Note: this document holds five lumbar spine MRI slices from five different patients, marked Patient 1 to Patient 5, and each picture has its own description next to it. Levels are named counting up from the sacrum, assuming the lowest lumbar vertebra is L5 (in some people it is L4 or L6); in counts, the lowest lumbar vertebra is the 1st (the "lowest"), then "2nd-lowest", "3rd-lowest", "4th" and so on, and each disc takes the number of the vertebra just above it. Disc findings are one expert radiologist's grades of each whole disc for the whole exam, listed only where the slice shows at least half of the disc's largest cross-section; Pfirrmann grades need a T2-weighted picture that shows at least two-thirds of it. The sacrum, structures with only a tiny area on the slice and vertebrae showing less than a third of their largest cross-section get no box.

Patient 1 of 5:
Slice 99 of 139; Field of view 240x307 mm; Image 595x761; Sagittal T2 SPACE (3D) lumbar spine MRI
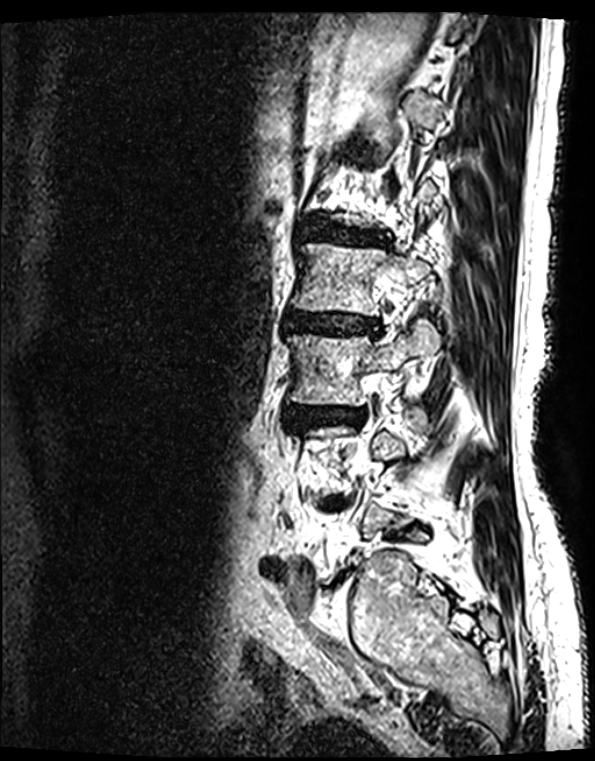
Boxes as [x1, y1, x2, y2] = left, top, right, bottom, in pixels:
L1/L2: [302, 229, 378, 244] | intervertebral disc L2/L3: [285, 315, 378, 335] | L3 vertebra: [286, 316, 440, 406] | intervertebral disc L3/L4: [287, 407, 363, 431] | L2: [291, 243, 435, 315]

Degenerative findings by level:
- L2/L3: Pfirrmann grade 4, upper-endplate change, disc bulging, disc narrowing, Modic type II, lower-endplate change
- L3/L4: Pfirrmann grade 4, disc narrowing, disc bulging, lower-endplate change, Modic type II, upper-endplate change
- L1/L2: lower-endplate change, disc bulging, disc narrowing, Modic type II, upper-endplate change

Patient 2 of 5:
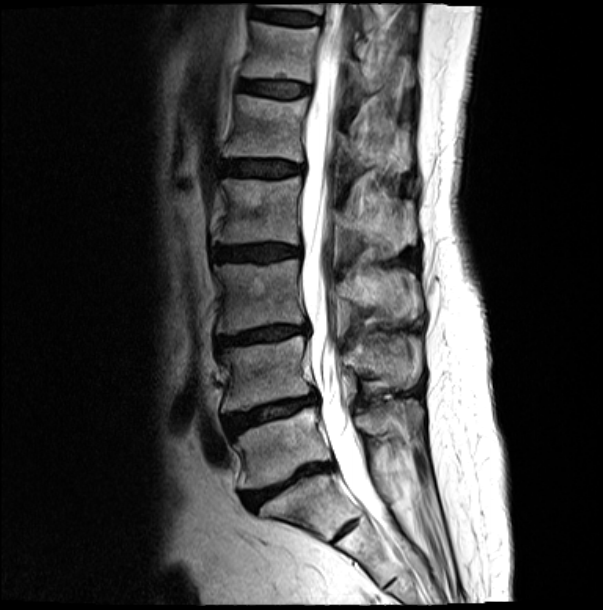
Sagittal T2-weighted lumbar spine MRI, Sagittal slice index 8, Field of view 260x263 mm
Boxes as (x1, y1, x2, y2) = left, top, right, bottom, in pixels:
Annotations:
* T11/T12: (253, 10, 318, 24)
* L3/L4: (217, 325, 307, 348)
* T11 vertebra: (259, 3, 379, 31)
* L1/L2: (223, 161, 300, 177)
* T12 vertebra: (242, 21, 377, 96)
* L5: (234, 399, 423, 488)
* L4/L5: (226, 394, 316, 435)
* thecal sac / spinal canal: (300, 4, 382, 518)
* L4 vertebra: (221, 336, 421, 410)
* IVD L5/S1: (243, 463, 333, 508)
* T12/L1: (240, 80, 308, 98)
* L2: (213, 176, 415, 257)
* L1 vertebra: (224, 94, 410, 171)
* L2/L3: (212, 244, 300, 260)
* L3: (215, 260, 421, 333)

Degenerative findings by level:
  T11/T12: Pfirrmann grade 3, Modic type II
  L5/S1: Pfirrmann grade 5, lower-endplate change, Modic type II, upper-endplate change, disc narrowing, disc bulging
  L2/L3: Pfirrmann grade 4, upper-endplate change, lower-endplate change, disc bulging, Modic type II
  L1/L2: Pfirrmann grade 4, disc bulging, lower-endplate change, Modic type II, upper-endplate change
  L4/L5: Pfirrmann grade 4, Modic type II, disc bulging, upper-endplate change, lower-endplate change, disc narrowing
  T12/L1: Pfirrmann grade 3, lower-endplate change, upper-endplate change, Modic type II
  L3/L4: Pfirrmann grade 4, lower-endplate change, upper-endplate change, Modic type II, disc narrowing, disc bulging

Patient 3 of 5:
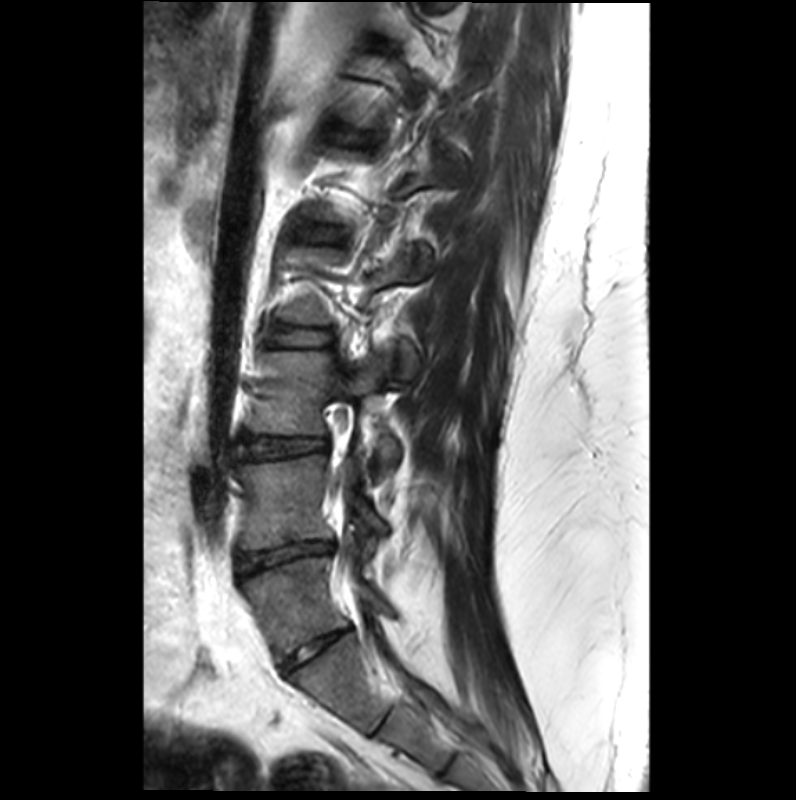 MRI lumbar spine (T2-weighted), sagittal plane, 796x800 px
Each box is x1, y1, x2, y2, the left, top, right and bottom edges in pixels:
{"L2/L3": "271, 328, 331, 344", "L5 vertebra": "244, 556, 396, 663", "L3": "249, 350, 400, 479", "L3/L4": "244, 438, 324, 457", "disc L1/L2": "302, 224, 338, 239", "L4": "238, 453, 386, 548", "disc L4/L5": "238, 542, 331, 574", "disc L5/S1": "280, 625, 355, 675"}

Per-level radiological findings:
• L4/L5: Pfirrmann grade 3, Modic type III, disc herniation, lower-endplate change, spondylolisthesis, disc narrowing, upper-endplate change
• L5/S1: Pfirrmann grade 3, disc narrowing
• L3/L4: no Modic or endplate change, herniation, narrowing, bulging or spondylolisthesis recorded

Patient 4 of 5:
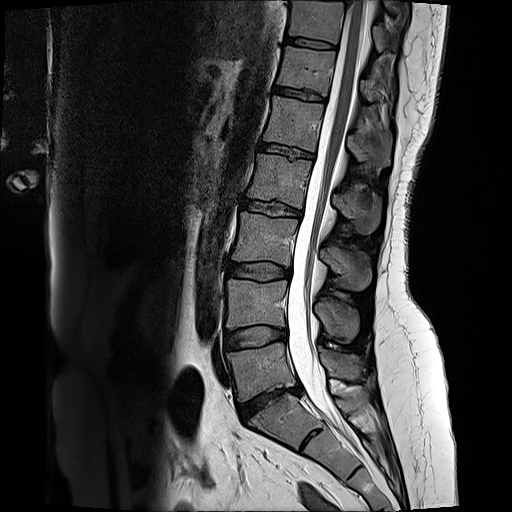
Image 512x512; Sagittal slice index 8; Sagittal T2-weighted lumbar spine MRI
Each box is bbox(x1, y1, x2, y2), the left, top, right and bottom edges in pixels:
3rd-lowest disc at bbox(228, 262, 290, 279); 3rd-lowest vertebra at bbox(233, 213, 371, 290); 6th vertebra at bbox(279, 47, 376, 100); thecal sac / spinal canal at bbox(286, 1, 366, 438); lowest vertebra at bbox(228, 343, 359, 400); 2nd-lowest disc at bbox(224, 327, 285, 350); 5th disc at bbox(260, 143, 313, 158); 6th disc at bbox(275, 86, 325, 103); 4th disc at bbox(242, 199, 301, 216); 5th vertebra at bbox(265, 96, 392, 166); 7th vertebra at bbox(291, 2, 395, 50); lowest disc at bbox(238, 388, 300, 422); 7th disc at bbox(286, 38, 334, 48); 2nd-lowest vertebra at bbox(226, 280, 358, 342); 4th vertebra at bbox(246, 155, 380, 232).

Per-level radiological findings:
  2nd-lowest disc: Pfirrmann grade 2, disc bulging
  4th disc: Pfirrmann grade 4, disc bulging, upper-endplate change, lower-endplate change
  7th disc: Pfirrmann grade 2
  6th disc: Pfirrmann grade 2, lower-endplate change, upper-endplate change
  3rd-lowest disc: Pfirrmann grade 2, disc bulging
  lowest disc: Pfirrmann grade 1, disc narrowing, disc bulging, disc herniation
  5th disc: Pfirrmann grade 2, upper-endplate change, lower-endplate change

Patient 5 of 5:
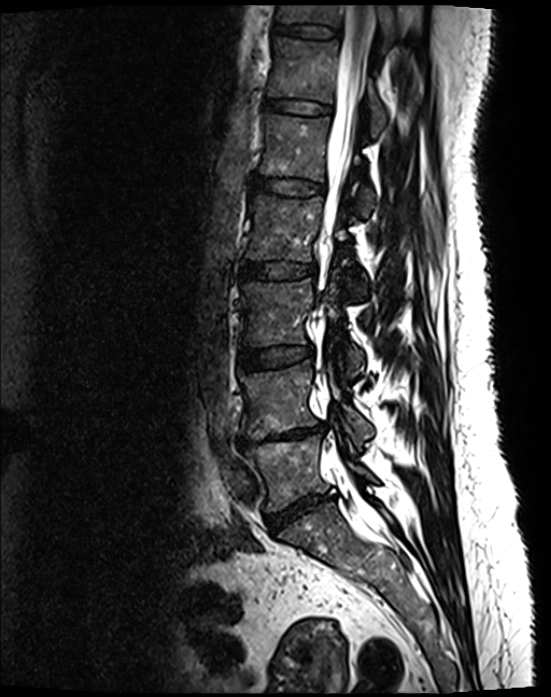 T2 SPACE (3D) sagittal MRI of the lumbar spine
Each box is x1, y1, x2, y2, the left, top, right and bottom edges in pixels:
Segmented structures:
* 5th vertebra: 259, 113, 374, 217
* lowest vertebra: 247, 435, 375, 511
* 6th disc: 265, 99, 331, 115
* 2nd-lowest vertebra: 240, 362, 371, 443
* 7th vertebra: 277, 5, 398, 42
* 4th vertebra: 245, 195, 366, 291
* 6th vertebra: 268, 36, 387, 137
* thecal sac / spinal canal: 323, 5, 373, 232
* 3rd-lowest vertebra: 241, 280, 362, 377
* lowest disc: 267, 495, 334, 531
* 3rd-lowest disc: 238, 346, 312, 371
* 4th disc: 240, 262, 314, 279
* 7th disc: 274, 23, 339, 37
* 5th disc: 252, 176, 323, 195
* 2nd-lowest disc: 238, 424, 323, 449

Expert MSK radiologist gradings (per disc):
- 3rd-lowest disc: Pfirrmann grade 2
- 7th disc: Pfirrmann grade 2
- 2nd-lowest disc: Pfirrmann grade 5, Modic type II, lower-endplate change, disc bulging, upper-endplate change, disc narrowing
- lowest disc: Pfirrmann grade 4, disc narrowing, disc bulging
- 5th disc: Pfirrmann grade 2
- 6th disc: Pfirrmann grade 2
- 4th disc: Pfirrmann grade 2